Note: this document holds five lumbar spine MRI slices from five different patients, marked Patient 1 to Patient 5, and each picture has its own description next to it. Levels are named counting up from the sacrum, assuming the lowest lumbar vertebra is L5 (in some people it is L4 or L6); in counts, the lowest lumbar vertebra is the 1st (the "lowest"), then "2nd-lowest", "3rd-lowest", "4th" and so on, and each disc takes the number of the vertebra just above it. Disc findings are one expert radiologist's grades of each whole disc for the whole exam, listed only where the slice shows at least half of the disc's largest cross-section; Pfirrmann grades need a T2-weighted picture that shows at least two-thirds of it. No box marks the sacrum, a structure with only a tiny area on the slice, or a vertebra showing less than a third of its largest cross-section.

Patient 1 of 5:
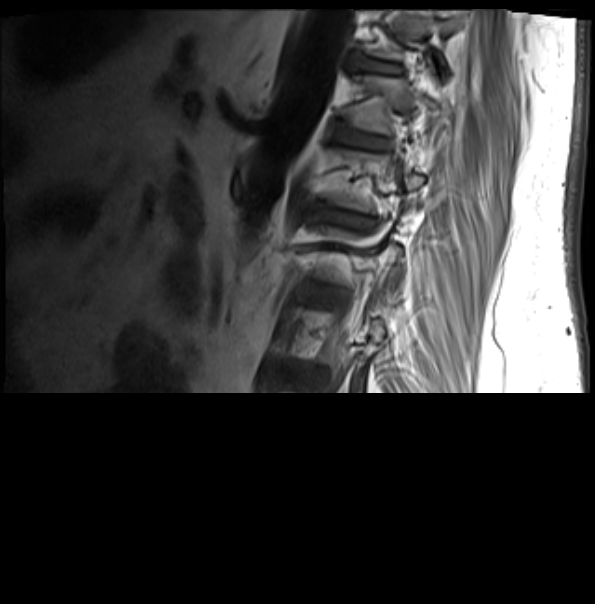

Image 595x604. Sagittal T1-weighted lumbar spine MRI. Slice 17/20.
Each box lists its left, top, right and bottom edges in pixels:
T11: left=363, top=10, right=459, bottom=61.
T11/T12: left=352, top=57, right=401, bottom=74.
T12/L1: left=340, top=133, right=384, bottom=147.
L1/L2: left=324, top=212, right=364, bottom=222.
T12 vertebra: left=346, top=75, right=438, bottom=135.

Radiological gradings:
• T11/T12: lower-endplate change, Modic type II, upper-endplate change, disc bulging

Patient 2 of 5:
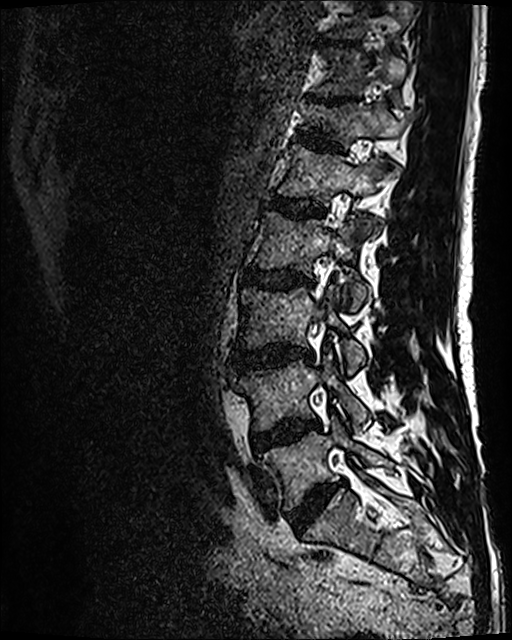 Sex M; MRI lumbar spine (T2 SPACE (3D)), sagittal plane; Slice 45/120
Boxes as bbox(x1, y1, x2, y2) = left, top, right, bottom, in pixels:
Intervertebral disc L2/L3: bbox(244, 269, 312, 290).
L5 vertebra: bbox(259, 417, 386, 510).
T12/L1: bbox(293, 133, 341, 149).
L3 vertebra: bbox(239, 286, 365, 374).
T10/T11: bbox(325, 41, 359, 46).
L2: bbox(255, 211, 372, 310).
L1: bbox(278, 145, 381, 205).
T11 vertebra: bbox(312, 49, 406, 109).
Intervertebral disc L3/L4: bbox(233, 346, 312, 371).
T12: bbox(299, 102, 402, 147).
L4/L5: bbox(251, 420, 319, 450).
Spinal canal: bbox(315, 285, 325, 328).
L4: bbox(232, 353, 369, 430).
Intervertebral disc L1/L2: bbox(269, 195, 323, 218).
Intervertebral disc L5/S1: bbox(287, 484, 335, 530).
T11/T12: bbox(317, 97, 344, 104).

Radiological gradings:
- L4/L5: Pfirrmann grade 3, disc bulging, Modic type II
- L2/L3: Pfirrmann grade 3, disc bulging, Modic type II
- L5/S1: Pfirrmann grade 4, disc narrowing, disc bulging
- L3/L4: Pfirrmann grade 4, disc narrowing, Modic type II, disc bulging
- L1/L2: Pfirrmann grade 3

Patient 3 of 5:
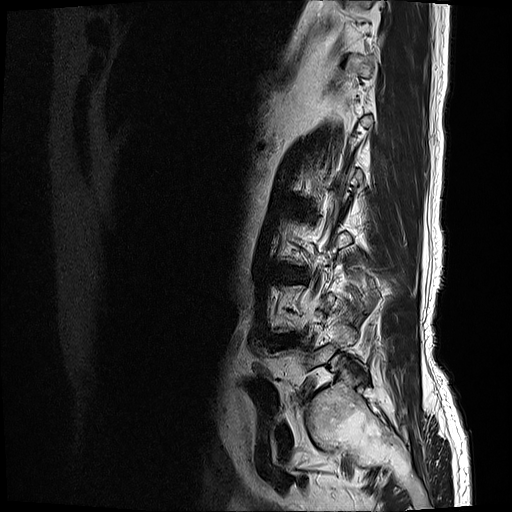 512x512 px | Lumbar spine MR, T2-weighted, sagittal
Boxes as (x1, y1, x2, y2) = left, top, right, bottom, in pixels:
Structures:
- 3rd-lowest disc = (279, 266, 307, 279)
- 2nd-lowest disc = (275, 336, 298, 346)

Patient 4 of 5:
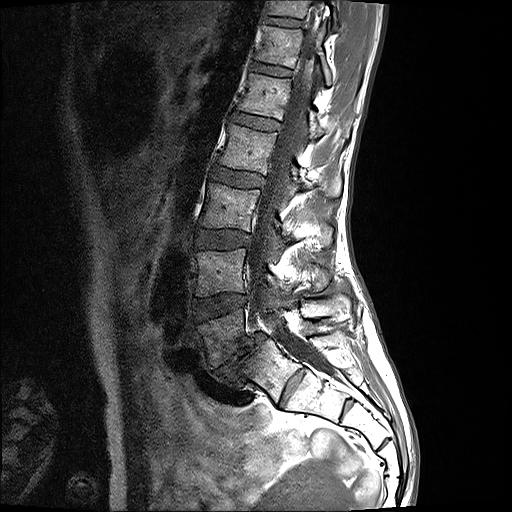 Field of view 300x300 mm, slice spacing 3.3 mm, Slice 11/17, MRI lumbar spine (T1-weighted), sagittal plane
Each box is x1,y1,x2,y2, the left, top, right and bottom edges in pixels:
L2 (4th vertebra): 219,124,341,196
L3 (3rd-lowest vertebra): 200,183,332,246
T12 (6th vertebra): 255,25,332,85
thecal sac / spinal canal: 247,0,332,375
L2/L3 (4th disc): 212,166,264,187
L1 (5th vertebra): 237,73,348,139
L3/L4 (3rd-lowest disc): 195,229,250,248
intervertebral disc L4/L5 (2nd-lowest disc): 194,294,246,320
intervertebral disc T12/L1 (6th disc): 251,63,291,76
L5 (lowest vertebra): 196,296,350,369
T11/T12 (7th disc): 265,17,303,26
T11 (7th vertebra): 268,0,339,30
intervertebral disc L5/S1 (lowest disc): 212,332,266,381
L4 (2nd-lowest vertebra): 195,248,323,304
intervertebral disc L1/L2 (5th disc): 231,113,279,130

Degenerative findings by level:
• L5/S1 (lowest disc): disc narrowing, Modic type II, disc bulging, spondylolisthesis
• L2/L3 (4th disc), T11/T12 (7th disc), T12/L1 (6th disc), L1/L2 (5th disc), L4/L5 (2nd-lowest disc), L3/L4 (3rd-lowest disc): no spondylolisthesis, narrowing, bulging, herniation, Modic or endplate change recorded

Patient 5 of 5:
Sex F, Sagittal slice index 15, Sagittal T2-weighted lumbar spine MRI, 1092x1117 px, Philips Healthcare Ingenia (3T) 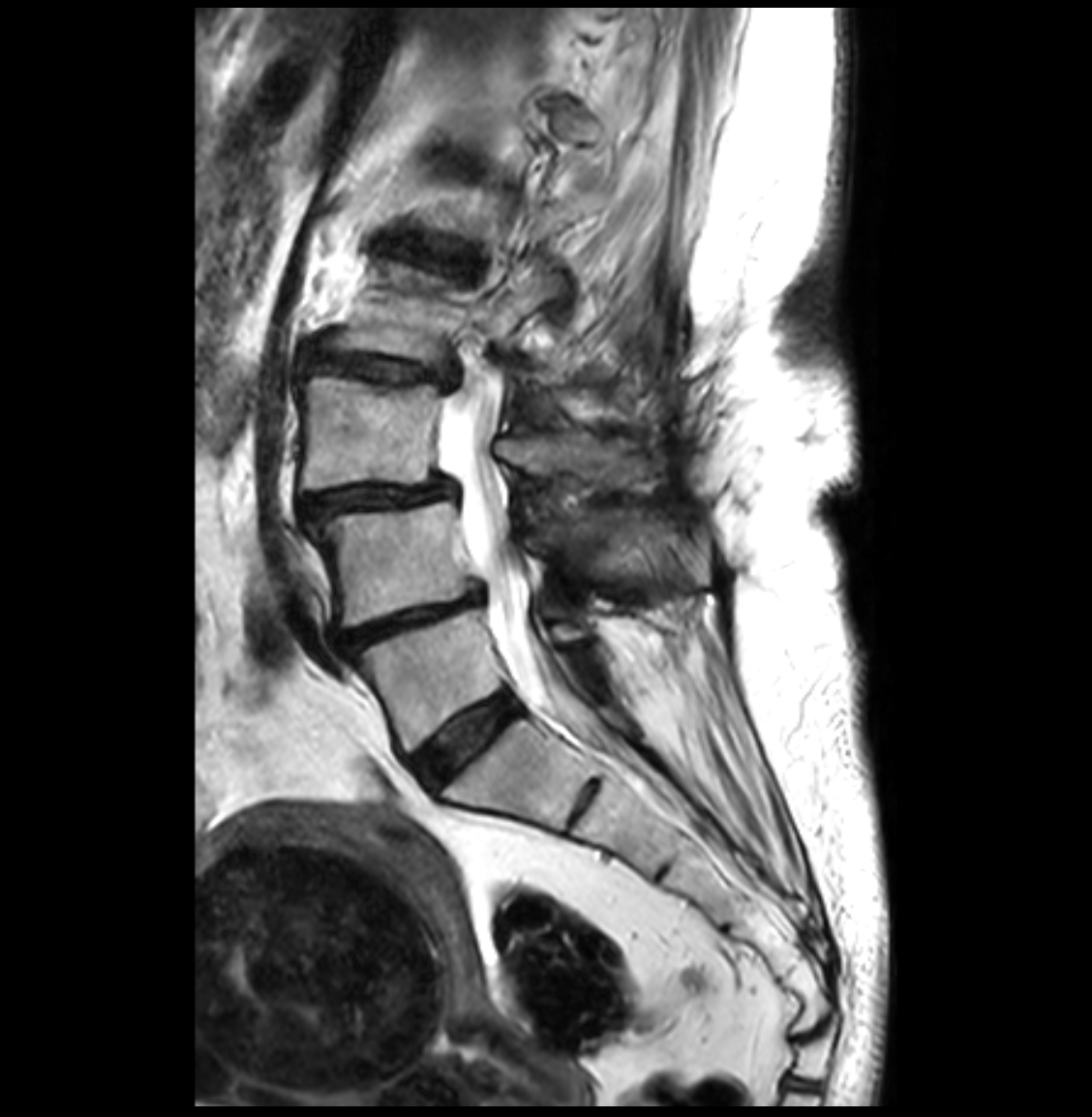

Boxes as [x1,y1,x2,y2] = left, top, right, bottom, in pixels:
L2/L3 (4th disc) = [302,335,455,388].
IVD L3/L4 (3rd-lowest disc) = [300,479,452,520].
L5/S1 (lowest disc) = [409,694,516,787].
L5 (lowest vertebra) = [356,609,584,751].
L4 (2nd-lowest vertebra) = [310,501,667,625].
L3 (3rd-lowest vertebra) = [300,375,652,492].
L2 (4th vertebra) = [334,264,589,419].
Thecal sac / spinal canal = [439,339,584,731].
IVD L4/L5 (2nd-lowest disc) = [339,592,479,653].

Degenerative findings by level:
- L3/L4 (3rd-lowest disc): Pfirrmann grade 4, spondylolisthesis, disc narrowing, disc bulging
- L5/S1 (lowest disc): Pfirrmann grade 2
- L4/L5 (2nd-lowest disc): Pfirrmann grade 4, disc narrowing, disc bulging
- L2/L3 (4th disc): Pfirrmann grade 4, disc narrowing, upper-endplate change, lower-endplate change, disc bulging